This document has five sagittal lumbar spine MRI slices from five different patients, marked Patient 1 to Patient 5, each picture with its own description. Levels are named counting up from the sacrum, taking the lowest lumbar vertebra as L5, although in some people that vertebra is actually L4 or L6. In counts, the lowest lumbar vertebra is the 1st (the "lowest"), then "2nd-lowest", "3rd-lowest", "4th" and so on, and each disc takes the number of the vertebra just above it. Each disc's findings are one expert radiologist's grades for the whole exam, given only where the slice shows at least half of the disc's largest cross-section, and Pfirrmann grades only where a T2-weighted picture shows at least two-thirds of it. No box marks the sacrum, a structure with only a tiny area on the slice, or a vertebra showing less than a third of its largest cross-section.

Patient 1 of 5:
Philips Healthcare Ingenia (3T). Lumbar spine MR, T1-weighted, sagittal.

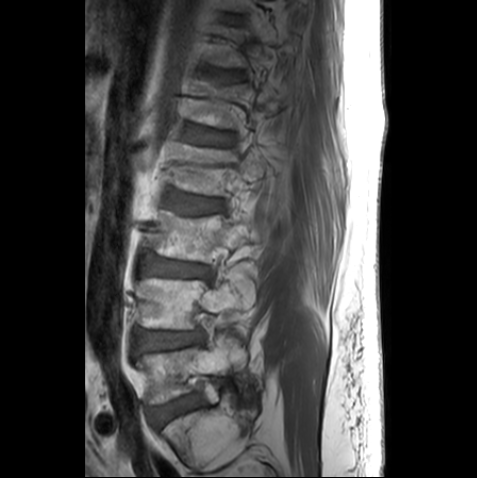
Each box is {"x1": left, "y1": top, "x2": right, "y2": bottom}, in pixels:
3rd-lowest vertebra at {"x1": 148, "y1": 210, "x2": 250, "y2": 262}, 4th disc at {"x1": 166, "y1": 188, "x2": 221, "y2": 214}, 4th vertebra at {"x1": 174, "y1": 145, "x2": 266, "y2": 195}, lowest disc at {"x1": 150, "y1": 396, "x2": 196, "y2": 426}, 6th disc at {"x1": 218, "y1": 72, "x2": 239, "y2": 81}, 5th disc at {"x1": 188, "y1": 126, "x2": 231, "y2": 144}, lowest vertebra at {"x1": 136, "y1": 334, "x2": 245, "y2": 404}, 2nd-lowest vertebra at {"x1": 139, "y1": 277, "x2": 254, "y2": 329}, 2nd-lowest disc at {"x1": 136, "y1": 332, "x2": 201, "y2": 353}, 3rd-lowest disc at {"x1": 144, "y1": 255, "x2": 211, "y2": 278}.

Expert MSK radiologist gradings (per disc):
  4th disc: upper-endplate change
  2nd-lowest disc: lower-endplate change
  3rd-lowest disc, 5th disc: no spondylolisthesis, narrowing, bulging, herniation, Modic or endplate change recorded

Patient 2 of 5:
Slice 81/120. Sagittal T2 SPACE (3D) lumbar spine MRI. SIEMENS Avanto_fit (1.5T).
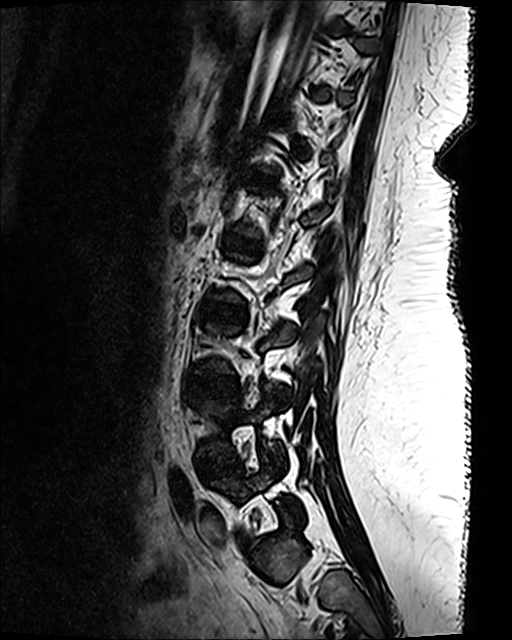
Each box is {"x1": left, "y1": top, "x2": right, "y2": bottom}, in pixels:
{"L2/L3": {"x1": 211, "y1": 311, "x2": 225, "y2": 317}, "L3/L4": {"x1": 196, "y1": 374, "x2": 235, "y2": 395}, "L4/L5": {"x1": 201, "y1": 454, "x2": 235, "y2": 476}, "L4": {"x1": 199, "y1": 387, "x2": 282, "y2": 457}}

Patient 3 of 5:
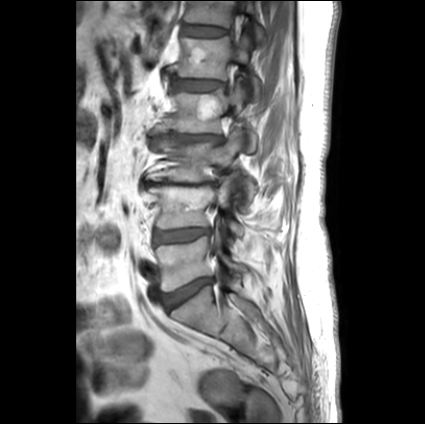 Lumbar spine MR, T1-weighted, sagittal. Slice 18 of 27.
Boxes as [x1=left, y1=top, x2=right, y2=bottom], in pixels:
disc L1/L2 (5th disc): [x1=172, y1=74, x2=223, y2=91]
L2 (4th vertebra): [x1=149, y1=82, x2=256, y2=152]
T12 (6th vertebra): [x1=184, y1=1, x2=263, y2=39]
disc L2/L3 (4th disc): [x1=152, y1=132, x2=221, y2=142]
L4 (2nd-lowest vertebra): [x1=147, y1=175, x2=244, y2=236]
disc L3/L4 (3rd-lowest disc): [x1=144, y1=181, x2=215, y2=187]
L5 (lowest vertebra): [x1=155, y1=231, x2=246, y2=291]
T12/L1 (6th disc): [x1=182, y1=25, x2=226, y2=36]
L4/L5 (2nd-lowest disc): [x1=153, y1=228, x2=209, y2=245]
L3 (3rd-lowest vertebra): [x1=146, y1=128, x2=255, y2=211]
disc L5/S1 (lowest disc): [x1=163, y1=278, x2=211, y2=310]
L1 (5th vertebra): [x1=176, y1=36, x2=261, y2=100]

Radiological gradings:
  L1/L2 (5th disc): lower-endplate change, upper-endplate change, disc bulging
  L4/L5 (2nd-lowest disc): disc bulging
  L2/L3 (4th disc): upper-endplate change, lower-endplate change, disc narrowing, disc bulging
  L5/S1 (lowest disc): disc bulging
  T12/L1 (6th disc): no Modic or endplate change, herniation, narrowing, bulging or spondylolisthesis recorded

Patient 4 of 5:
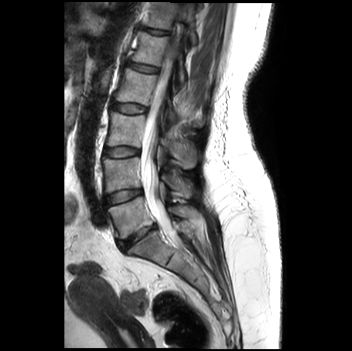 352x351 px. Sex F. T2-weighted sagittal MRI of the lumbar spine. Slice 19/35.
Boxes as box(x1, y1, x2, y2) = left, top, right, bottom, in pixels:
* disc L2/L3 at box(111, 101, 147, 113)
* L5 vertebra at box(107, 197, 196, 238)
* disc L4/L5 at box(104, 189, 142, 206)
* T12/L1 at box(141, 26, 169, 34)
* disc L3/L4 at box(104, 147, 139, 157)
* L3 vertebra at box(107, 111, 196, 168)
* L4 vertebra at box(102, 158, 194, 198)
* L1 at box(132, 31, 208, 83)
* L1/L2 at box(127, 62, 158, 72)
* disc L5/S1 at box(118, 224, 155, 249)
* T12 vertebra at box(144, 2, 196, 44)
* thecal sac / spinal canal at box(141, 35, 182, 246)
* L2 vertebra at box(114, 68, 202, 126)

Expert MSK radiologist gradings (per disc):
  L5/S1: Pfirrmann grade 4, upper-endplate change, lower-endplate change, disc narrowing, Modic type II
  L4/L5: Pfirrmann grade 2
  L2/L3: Pfirrmann grade 1
  L3/L4: Pfirrmann grade 1
  L1/L2: Pfirrmann grade 1
  T12/L1: no herniation, bulging, narrowing, spondylolisthesis, endplate or Modic change recorded

Patient 5 of 5:
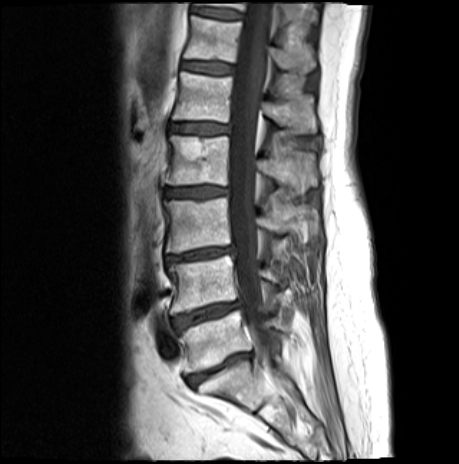 Lumbar spine MR, T1-weighted, sagittal | Slice 10/19 | Slice spacing 4.8 mm

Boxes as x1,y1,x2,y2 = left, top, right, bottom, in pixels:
Annotations:
* L3 = 165,197,291,253
* T12 vertebra = 184,15,316,72
* T11 = 195,2,313,25
* L3/L4 = 166,247,234,262
* intervertebral disc L1/L2 = 171,123,228,134
* L1 vertebra = 173,71,316,134
* intervertebral disc L4/L5 = 172,300,241,330
* L4 = 169,255,287,314
* intervertebral disc T12/L1 = 182,62,233,74
* thecal sac / spinal canal = 229,2,276,372
* L2 vertebra = 165,134,316,186
* intervertebral disc T11/T12 = 194,8,241,18
* intervertebral disc L2/L3 = 165,186,228,198
* L5/S1 = 188,353,251,386
* L5 vertebra = 179,311,286,372

Degenerative findings by level:
- T11/T12: Modic type II
- L3/L4: lower-endplate change, Modic type II, disc bulging, upper-endplate change, disc narrowing
- L5/S1: Modic type II, disc bulging, lower-endplate change, upper-endplate change, disc narrowing
- L1/L2: lower-endplate change, upper-endplate change, disc bulging, Modic type II
- L4/L5: lower-endplate change, disc bulging, Modic type II, upper-endplate change, disc narrowing
- T12/L1: Modic type II, lower-endplate change, upper-endplate change
- L2/L3: Modic type II, disc bulging, lower-endplate change, upper-endplate change